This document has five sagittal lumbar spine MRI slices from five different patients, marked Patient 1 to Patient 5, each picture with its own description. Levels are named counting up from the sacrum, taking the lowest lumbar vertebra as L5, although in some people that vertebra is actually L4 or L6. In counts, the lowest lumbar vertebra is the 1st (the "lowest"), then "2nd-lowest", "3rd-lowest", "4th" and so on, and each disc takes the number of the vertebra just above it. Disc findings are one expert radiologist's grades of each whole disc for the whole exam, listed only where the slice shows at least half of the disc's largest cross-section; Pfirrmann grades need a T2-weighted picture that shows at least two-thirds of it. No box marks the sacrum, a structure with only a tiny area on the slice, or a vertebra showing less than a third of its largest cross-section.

Patient 1 of 5:
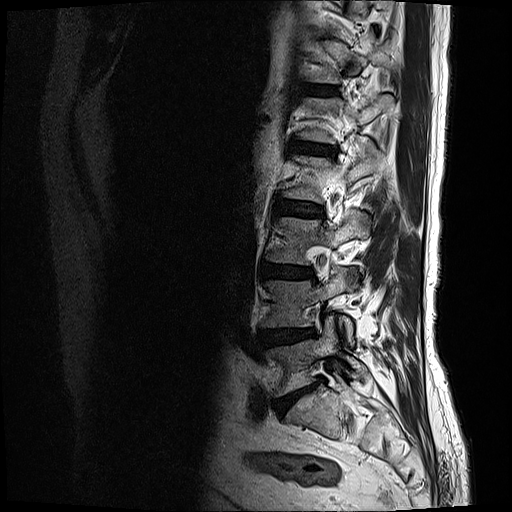

Lumbar spine MR, T2-weighted, sagittal
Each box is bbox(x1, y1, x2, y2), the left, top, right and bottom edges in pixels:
Lowest vertebra — bbox(268, 321, 369, 396).
3rd-lowest vertebra — bbox(268, 211, 369, 264).
3rd-lowest disc — bbox(261, 261, 313, 278).
4th disc — bbox(277, 197, 324, 219).
Lowest disc — bbox(274, 379, 323, 415).
6th disc — bbox(308, 86, 337, 95).
2nd-lowest vertebra — bbox(263, 268, 357, 344).
5th disc — bbox(292, 140, 336, 157).
2nd-lowest disc — bbox(260, 327, 314, 348).

Radiological gradings:
  4th disc: Pfirrmann grade 3, disc bulging
  3rd-lowest disc: lower-endplate change, Modic type II, disc narrowing, disc bulging
  5th disc: Pfirrmann grade 4, upper-endplate change, Modic type II, disc narrowing, disc bulging, lower-endplate change
  2nd-lowest disc: disc herniation, disc bulging

Patient 2 of 5:
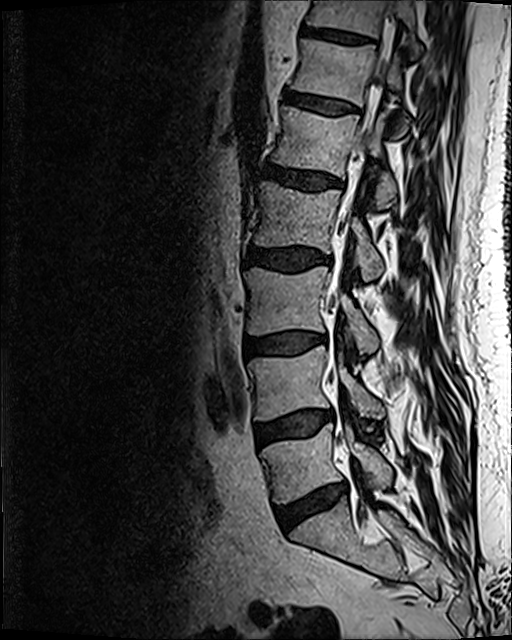 Patient sex: M. Slice 73 of 120. Lumbar spine MR, T2 SPACE (3D), sagittal. Image 512x640.
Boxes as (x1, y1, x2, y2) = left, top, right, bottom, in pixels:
Thecal sac / spinal canal at (331, 27, 390, 307).
IVD L4/L5 (2nd-lowest disc) at (255, 412, 332, 446).
IVD T11/T12 (7th disc) at (302, 24, 374, 44).
L1 (5th vertebra) at (272, 106, 396, 209).
IVD T12/L1 (6th disc) at (285, 92, 356, 115).
L2 (4th vertebra) at (255, 181, 383, 280).
L3/L4 (3rd-lowest disc) at (246, 333, 320, 355).
IVD L5/S1 (lowest disc) at (275, 486, 345, 530).
T11 (7th vertebra) at (306, 0, 416, 39).
L4 (2nd-lowest vertebra) at (249, 346, 382, 420).
L5 (lowest vertebra) at (260, 423, 392, 503).
L1/L2 (5th disc) at (263, 163, 340, 191).
T12 (6th vertebra) at (291, 39, 408, 135).
L3 (3rd-lowest vertebra) at (244, 266, 379, 353).
L2/L3 (4th disc) at (247, 247, 331, 271).

Expert MSK radiologist gradings (per disc):
  T11/T12 (7th disc): Pfirrmann grade 3
  L3/L4 (3rd-lowest disc): Pfirrmann grade 2, Modic type II, disc bulging
  T12/L1 (6th disc): Pfirrmann grade 2
  L4/L5 (2nd-lowest disc): Pfirrmann grade 2, disc bulging, Modic type II
  L2/L3 (4th disc): Pfirrmann grade 3, disc bulging
  L5/S1 (lowest disc): Pfirrmann grade 3, Modic type II, disc bulging, disc narrowing
  L1/L2 (5th disc): Pfirrmann grade 3, disc bulging

Patient 3 of 5:
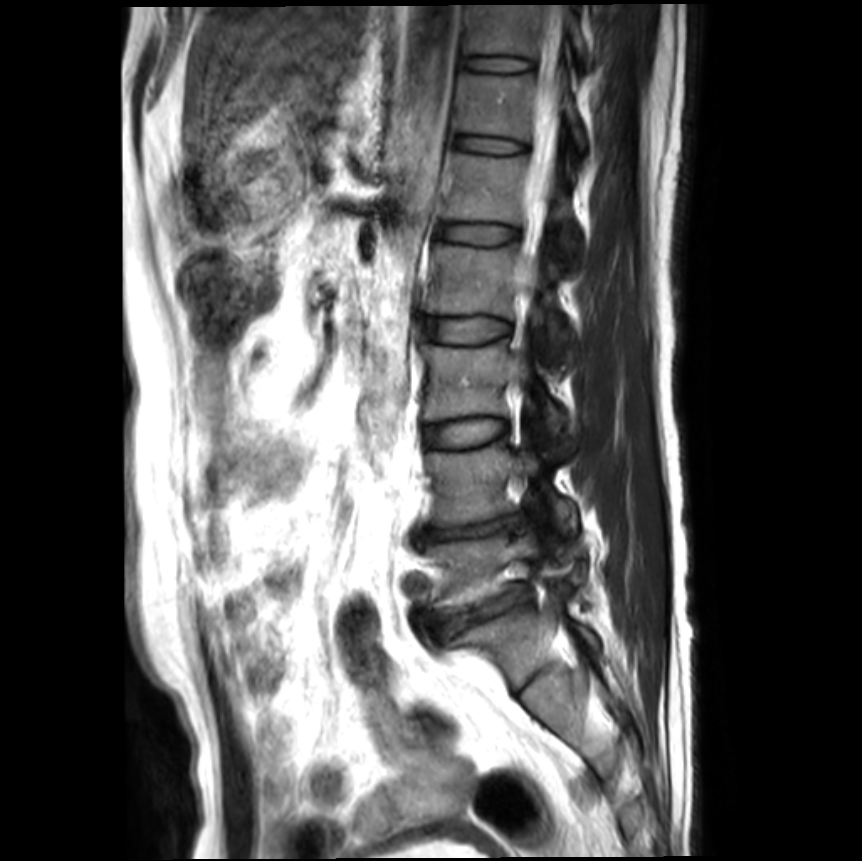 862x861 px, Patient sex: M, T2-weighted sagittal MRI of the lumbar spine
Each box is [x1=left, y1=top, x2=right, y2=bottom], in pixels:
Intervertebral disc L3/L4 at [x1=423, y1=418, x2=506, y2=446], L1/L2 at [x1=440, y1=223, x2=518, y2=244], intervertebral disc L4/L5 at [x1=417, y1=514, x2=523, y2=540], L4 at [x1=425, y1=440, x2=577, y2=532], L1 at [x1=445, y1=152, x2=578, y2=254], intervertebral disc T11/T12 at [x1=465, y1=55, x2=533, y2=71], L3 at [x1=422, y1=340, x2=567, y2=435], T11 at [x1=465, y1=4, x2=592, y2=65], thecal sac / spinal canal at [x1=526, y1=4, x2=563, y2=267], L2 vertebra at [x1=425, y1=243, x2=573, y2=353], intervertebral disc L2/L3 at [x1=423, y1=317, x2=510, y2=342], T12 vertebra at [x1=459, y1=74, x2=585, y2=146], L5 vertebra at [x1=423, y1=527, x2=552, y2=611], T12/L1 at [x1=457, y1=136, x2=525, y2=152], L5/S1 at [x1=420, y1=584, x2=530, y2=636].

Per-level radiological findings:
- L2/L3: Pfirrmann grade 1
- L1/L2: Pfirrmann grade 1
- T12/L1: Pfirrmann grade 1
- L3/L4: Pfirrmann grade 1
- L5/S1: Pfirrmann grade 4, disc bulging, upper-endplate change, disc narrowing, lower-endplate change, spondylolisthesis
- T11/T12: Pfirrmann grade 1
- L4/L5: Pfirrmann grade 5, disc bulging, lower-endplate change, disc narrowing, upper-endplate change, Modic type II

Patient 4 of 5:
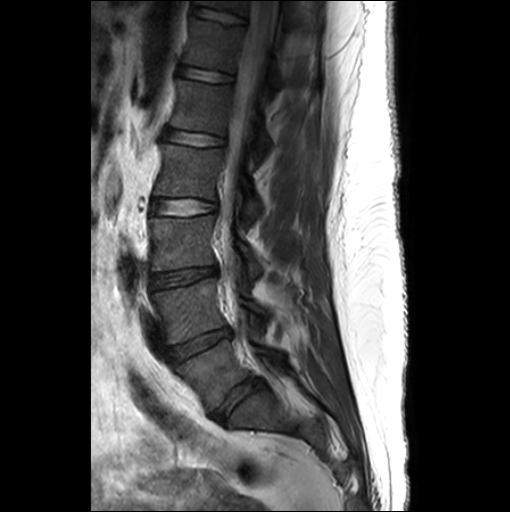 Slice 16/26; MRI lumbar spine (T2-weighted), sagittal plane

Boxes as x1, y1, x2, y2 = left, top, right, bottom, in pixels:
intervertebral disc L4/L5: 168, 327, 231, 364
intervertebral disc L5/S1: 210, 378, 261, 421
L1: 171, 79, 269, 159
L1/L2: 164, 129, 225, 146
L5 vertebra: 176, 340, 281, 410
T12 vertebra: 184, 17, 279, 97
intervertebral disc T12/L1: 179, 65, 233, 82
L3 vertebra: 150, 215, 263, 276
L2 vertebra: 154, 144, 261, 222
intervertebral disc L3/L4: 150, 266, 217, 288
intervertebral disc T11/T12: 192, 5, 246, 23
L4 vertebra: 151, 278, 264, 343
spinal canal: 223, 0, 277, 297
L2/L3: 151, 199, 216, 215
T11: 196, 0, 295, 27

Expert MSK radiologist gradings (per disc):
• T12/L1: Pfirrmann grade 1
• T11/T12: Pfirrmann grade 1
• L2/L3: Pfirrmann grade 1
• L4/L5: Pfirrmann grade 3, disc bulging, disc narrowing
• L3/L4: Pfirrmann grade 3, disc narrowing, disc bulging
• L1/L2: Pfirrmann grade 1
• L5/S1: disc bulging

Patient 5 of 5:
Slice 9/28. MRI lumbar spine (T2-weighted), sagittal plane. Slice spacing 3.3 mm. Sex M. 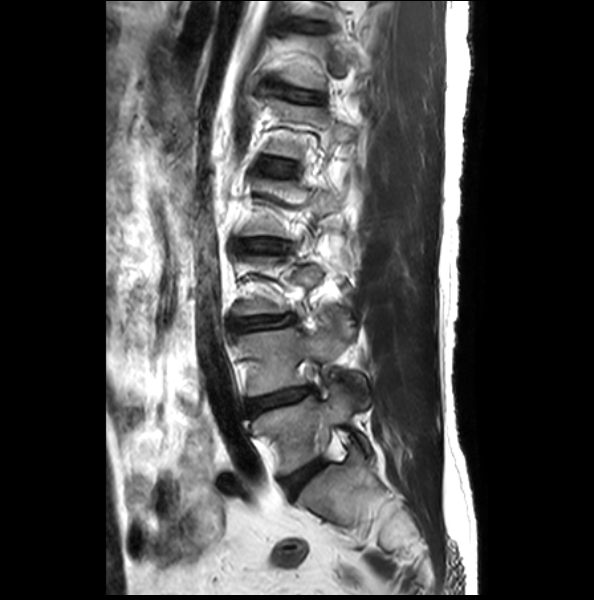
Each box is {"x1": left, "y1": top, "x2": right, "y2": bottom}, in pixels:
Segmented structures:
• 3rd-lowest disc: {"x1": 236, "y1": 315, "x2": 292, "y2": 329}
• 4th disc: {"x1": 245, "y1": 239, "x2": 284, "y2": 252}
• 2nd-lowest disc: {"x1": 245, "y1": 386, "x2": 313, "y2": 415}
• lowest disc: {"x1": 282, "y1": 459, "x2": 325, "y2": 494}
• 2nd-lowest vertebra: {"x1": 239, "y1": 315, "x2": 372, "y2": 397}
• lowest vertebra: {"x1": 245, "y1": 383, "x2": 370, "y2": 474}
• 6th disc: {"x1": 278, "y1": 87, "x2": 317, "y2": 102}
• 5th disc: {"x1": 269, "y1": 161, "x2": 293, "y2": 174}

Per-level radiological findings:
- 3rd-lowest disc: disc narrowing, disc bulging
- 2nd-lowest disc: Pfirrmann grade 2, lower-endplate change, disc narrowing, disc bulging
- 6th disc: disc bulging, upper-endplate change